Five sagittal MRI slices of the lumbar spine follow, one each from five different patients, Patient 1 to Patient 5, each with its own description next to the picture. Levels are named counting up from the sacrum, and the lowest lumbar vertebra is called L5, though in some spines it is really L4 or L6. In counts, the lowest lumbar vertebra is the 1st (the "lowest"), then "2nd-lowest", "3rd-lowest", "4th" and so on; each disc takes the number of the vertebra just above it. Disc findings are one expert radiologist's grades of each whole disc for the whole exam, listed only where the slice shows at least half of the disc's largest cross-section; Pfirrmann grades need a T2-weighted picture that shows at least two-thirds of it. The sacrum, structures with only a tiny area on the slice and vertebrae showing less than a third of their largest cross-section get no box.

Patient 1 of 5:
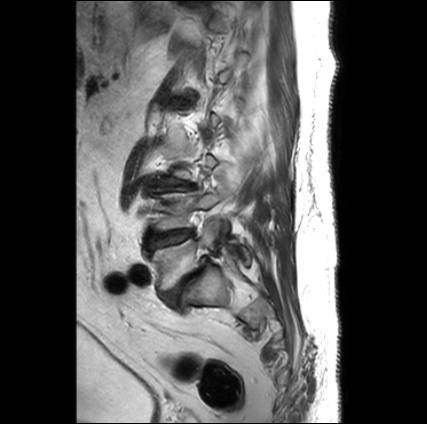

Patient sex: M, Lumbar spine MR, T2-weighted, sagittal

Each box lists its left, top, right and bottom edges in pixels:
{"disc L4/L5": "left=147, top=229, right=194, bottom=251", "L5/S1": "left=161, top=258, right=207, bottom=307", "disc L3/L4": "left=160, top=182, right=195, bottom=190", "L5 vertebra": "left=149, top=220, right=250, bottom=292", "L4": "left=153, top=190, right=228, bottom=231"}

Degenerative findings by level:
- L4/L5: Pfirrmann grade 3, Modic type II
- L5/S1: Pfirrmann grade 5, spondylolisthesis, upper-endplate change, lower-endplate change, Modic type II, disc bulging, disc narrowing
- L3/L4: disc bulging, upper-endplate change, disc narrowing, Modic type II, lower-endplate change

Patient 2 of 5:
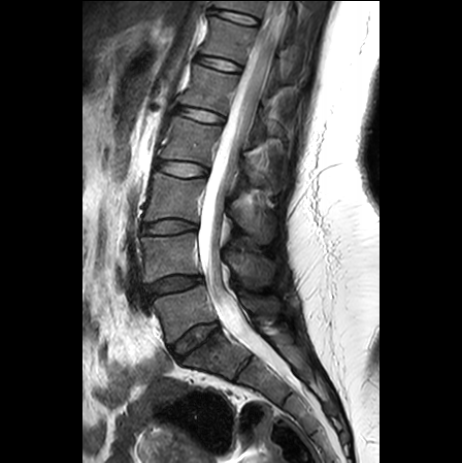 T2-weighted sagittal MRI of the lumbar spine. Patient sex: F.
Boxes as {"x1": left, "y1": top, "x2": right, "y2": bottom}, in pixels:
IVD T11/T12: {"x1": 212, "y1": 9, "x2": 258, "y2": 24}
L1 vertebra: {"x1": 180, "y1": 64, "x2": 272, "y2": 140}
spinal canal: {"x1": 198, "y1": 1, "x2": 288, "y2": 376}
T12: {"x1": 201, "y1": 17, "x2": 285, "y2": 93}
L5 vertebra: {"x1": 154, "y1": 285, "x2": 278, "y2": 342}
L2 vertebra: {"x1": 161, "y1": 116, "x2": 281, "y2": 190}
L3/L4: {"x1": 142, "y1": 220, "x2": 196, "y2": 234}
T11 vertebra: {"x1": 215, "y1": 0, "x2": 296, "y2": 38}
L4: {"x1": 141, "y1": 232, "x2": 273, "y2": 284}
IVD L4/L5: {"x1": 145, "y1": 276, "x2": 201, "y2": 297}
IVD L2/L3: {"x1": 157, "y1": 160, "x2": 206, "y2": 176}
IVD L1/L2: {"x1": 176, "y1": 106, "x2": 223, "y2": 122}
IVD T12/L1: {"x1": 197, "y1": 55, "x2": 240, "y2": 71}
IVD L5/S1: {"x1": 171, "y1": 321, "x2": 219, "y2": 360}
L3 vertebra: {"x1": 144, "y1": 172, "x2": 273, "y2": 242}

Radiological gradings:
• L5/S1: Pfirrmann grade 3, disc narrowing, disc bulging
• L4/L5: Pfirrmann grade 3, disc bulging, disc narrowing
• L1/L2: Pfirrmann grade 1
• L2/L3: Pfirrmann grade 1
• T11/T12: Pfirrmann grade 1
• L3/L4: Pfirrmann grade 1
• T12/L1: Pfirrmann grade 1

Patient 3 of 5:
Sagittal slice index 9, 896x896 px, MRI lumbar spine (T1-weighted), sagittal plane, Scanner: SIEMENS Skyra_fit (3T) 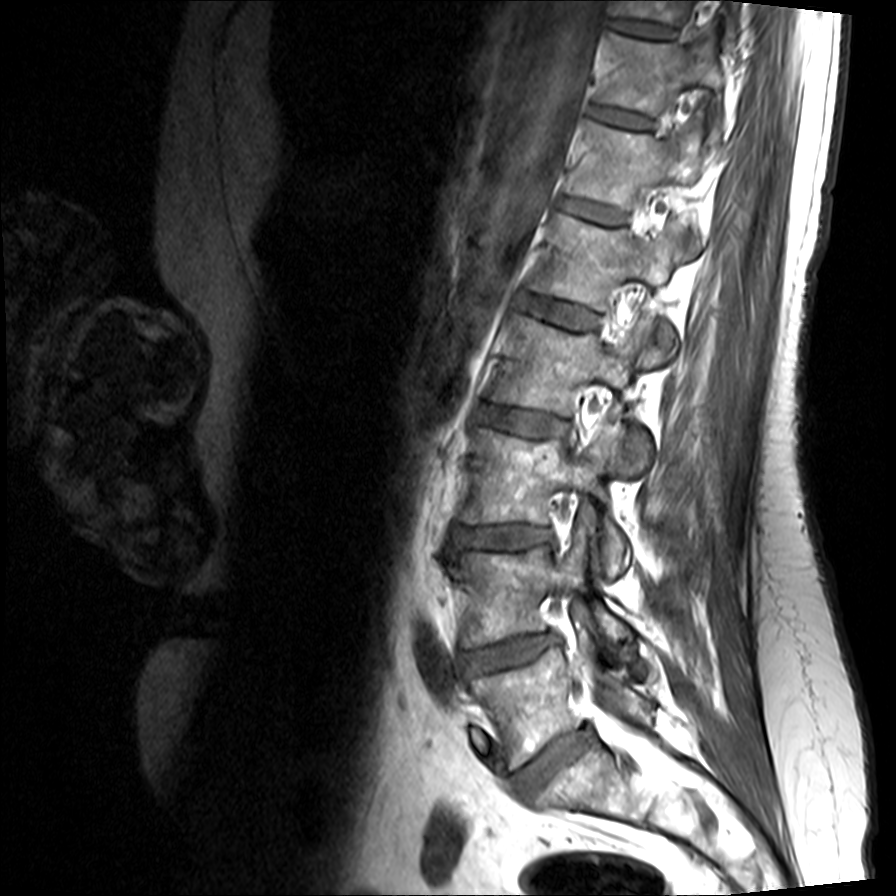

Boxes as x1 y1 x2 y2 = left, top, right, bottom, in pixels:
{"T10 vertebra": "611 0 740 30", "L2": "492 314 664 473", "T11/T12": "593 106 654 128", "L4 vertebra": "456 518 629 646", "L1 vertebra": "532 214 692 351", "L4/L5": "459 633 560 674", "L5": "471 647 651 769", "T12/L1": "560 196 624 223", "IVD L1/L2": "519 294 599 328", "T12 vertebra": "568 123 702 209", "IVD L2/L3": "478 406 568 436", "IVD T10/T11": "609 18 675 38", "L5/S1": "510 727 593 798", "L3 vertebra": "461 421 629 576", "T11 vertebra": "598 31 723 136", "IVD L3/L4": "452 525 552 548"}

Per-level radiological findings:
- L3/L4: lower-endplate change, upper-endplate change, disc bulging, disc narrowing
- L4/L5: disc herniation, Modic type II, disc bulging, disc narrowing
- L5/S1: disc narrowing, disc bulging
- L2/L3: disc bulging
- T12/L1, L1/L2, T10/T11, T11/T12: no Modic or endplate change, herniation, narrowing, bulging or spondylolisthesis recorded

Patient 4 of 5:
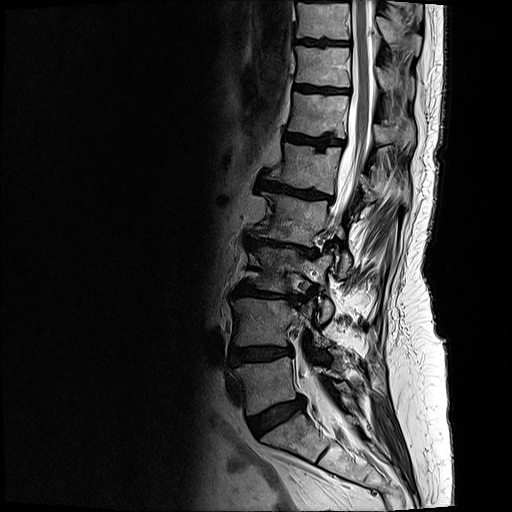 Slice spacing 3.3 mm | MRI lumbar spine (T2-weighted), sagittal plane | Image 512x512 | Sex F

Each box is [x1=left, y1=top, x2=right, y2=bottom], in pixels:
6th disc: [x1=285, y1=135, x2=344, y2=148]
2nd-lowest disc: [x1=230, y1=347, x2=292, y2=366]
5th vertebra: [x1=269, y1=143, x2=375, y2=202]
lowest disc: [x1=248, y1=396, x2=304, y2=435]
7th vertebra: [x1=296, y1=47, x2=413, y2=96]
lowest vertebra: [x1=234, y1=356, x2=341, y2=414]
4th disc: [x1=243, y1=235, x2=317, y2=258]
3rd-lowest disc: [x1=234, y1=283, x2=295, y2=302]
2nd-lowest vertebra: [x1=231, y1=298, x2=329, y2=346]
6th vertebra: [x1=287, y1=92, x2=413, y2=150]
8th vertebra: [x1=297, y1=0, x2=421, y2=53]
7th disc: [x1=296, y1=86, x2=349, y2=94]
8th disc: [x1=297, y1=39, x2=335, y2=46]
spinal canal: [x1=302, y1=0, x2=370, y2=428]
4th vertebra: [x1=262, y1=191, x2=350, y2=277]
5th disc: [x1=258, y1=179, x2=330, y2=199]
3rd-lowest vertebra: [x1=255, y1=247, x2=332, y2=319]

Degenerative findings by level:
- 3rd-lowest disc: disc bulging, disc narrowing, Modic type II, upper-endplate change, lower-endplate change
- 7th disc: Pfirrmann grade 4, upper-endplate change, lower-endplate change
- 8th disc: Pfirrmann grade 4, upper-endplate change, lower-endplate change
- lowest disc: Pfirrmann grade 4, disc bulging
- 5th disc: Pfirrmann grade 5, disc narrowing, lower-endplate change, disc bulging, Modic type II, upper-endplate change
- 4th disc: Pfirrmann grade 5, disc narrowing, disc bulging, Modic type II, upper-endplate change, lower-endplate change
- 6th disc: Pfirrmann grade 4, Modic type II, lower-endplate change, upper-endplate change
- 2nd-lowest disc: Pfirrmann grade 4, disc bulging, upper-endplate change, lower-endplate change

Patient 5 of 5:
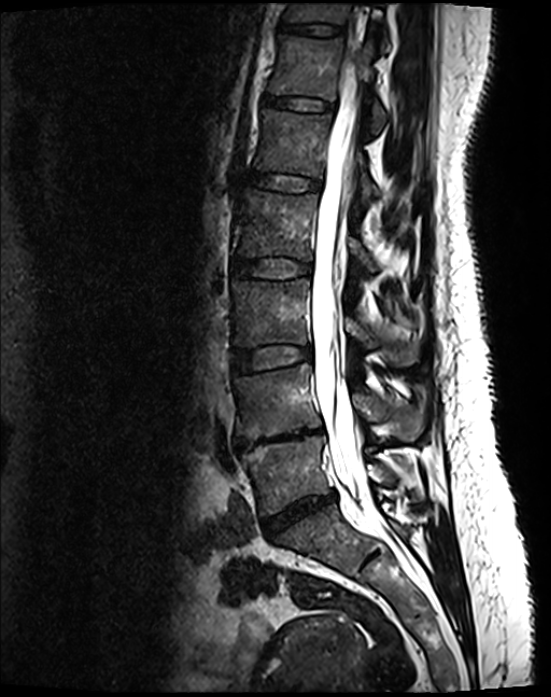

Lumbar spine MR, T2 SPACE (3D), sagittal

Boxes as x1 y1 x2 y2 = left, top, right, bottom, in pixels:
{"disc L1/L2 (5th disc)": "248 173 321 190", "L3 (3rd-lowest vertebra)": "231 280 419 365", "disc T11/T12 (7th disc)": "279 22 342 35", "L3/L4 (3rd-lowest disc)": "233 346 312 373", "L4/L5 (2nd-lowest disc)": "235 428 322 449", "T12 (6th vertebra)": "269 36 387 133", "T11 (7th vertebra)": "285 2 387 48", "L5/S1 (lowest disc)": "263 492 336 536", "L5 (lowest vertebra)": "241 435 395 515", "thecal sac / spinal canal": "311 59 368 503", "disc T12/L1 (6th disc)": "265 96 332 110", "L1 (5th vertebra)": "254 110 378 200", "L2 (4th vertebra)": "234 190 374 271", "L4 (2nd-lowest vertebra)": "235 364 424 439", "disc L2/L3 (4th disc)": "233 257 311 278"}

Per-level radiological findings:
• T12/L1 (6th disc): Pfirrmann grade 2
• L2/L3 (4th disc): Pfirrmann grade 2
• L5/S1 (lowest disc): Pfirrmann grade 4, disc bulging, disc narrowing
• L3/L4 (3rd-lowest disc): Pfirrmann grade 2
• T11/T12 (7th disc): Pfirrmann grade 2
• L1/L2 (5th disc): Pfirrmann grade 2
• L4/L5 (2nd-lowest disc): Pfirrmann grade 5, Modic type II, disc narrowing, upper-endplate change, disc bulging, lower-endplate change